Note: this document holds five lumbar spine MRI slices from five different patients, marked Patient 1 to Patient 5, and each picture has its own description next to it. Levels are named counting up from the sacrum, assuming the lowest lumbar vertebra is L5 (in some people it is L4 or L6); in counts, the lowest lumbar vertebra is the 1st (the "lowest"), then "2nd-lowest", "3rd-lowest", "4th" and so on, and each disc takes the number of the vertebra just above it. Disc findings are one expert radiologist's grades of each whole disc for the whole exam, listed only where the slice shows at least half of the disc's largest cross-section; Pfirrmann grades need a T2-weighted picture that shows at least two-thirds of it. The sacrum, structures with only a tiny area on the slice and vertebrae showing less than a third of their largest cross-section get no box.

Patient 1 of 5:
Philips Healthcare Ingenia (3T) | T2-weighted sagittal MRI of the lumbar spine | 448x448 px

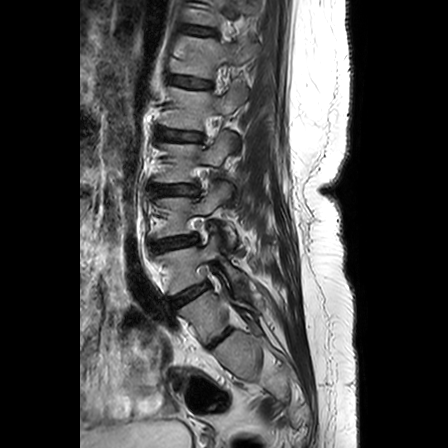
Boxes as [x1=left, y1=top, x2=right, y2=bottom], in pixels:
{"T12": "[x1=173, y1=37, x2=257, y2=78]", "L4/L5": "[x1=170, y1=284, x2=204, y2=307]", "L4 vertebra": "[x1=156, y1=228, x2=252, y2=300]", "L2": "[x1=155, y1=131, x2=237, y2=182]", "intervertebral disc T12/L1": "[x1=170, y1=76, x2=210, y2=87]", "L3": "[x1=158, y1=183, x2=236, y2=247]", "intervertebral disc L3/L4": "[x1=154, y1=236, x2=197, y2=249]", "L2/L3": "[x1=157, y1=185, x2=196, y2=194]", "L1/L2": "[x1=158, y1=128, x2=201, y2=140]", "intervertebral disc T11/T12": "[x1=191, y1=28, x2=213, y2=35]", "L1 vertebra": "[x1=161, y1=84, x2=246, y2=130]", "L5/S1": "[x1=209, y1=327, x2=232, y2=347]", "L5": "[x1=180, y1=275, x2=260, y2=342]"}

Per-level radiological findings:
- L4/L5: disc narrowing, disc bulging
- L1/L2: Pfirrmann grade 3, upper-endplate change, disc bulging, lower-endplate change
- L3/L4: lower-endplate change, disc bulging, upper-endplate change
- T12/L1: Pfirrmann grade 2, lower-endplate change, upper-endplate change
- L2/L3: disc bulging, lower-endplate change, upper-endplate change

Patient 2 of 5:
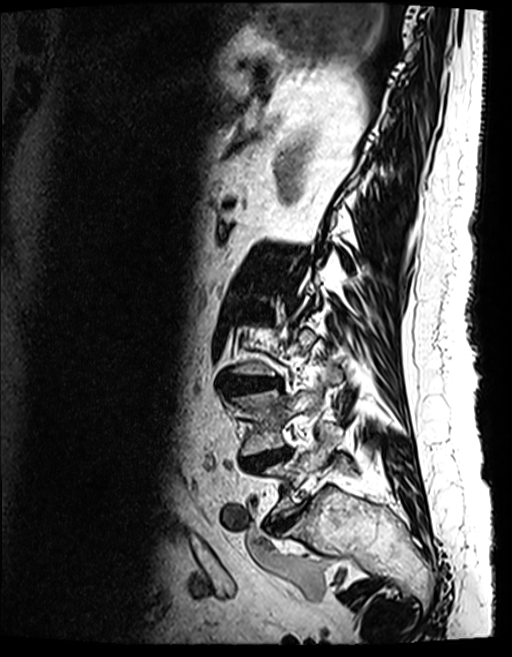
Sagittal T2 SPACE (3D) lumbar spine MRI | Patient sex: F
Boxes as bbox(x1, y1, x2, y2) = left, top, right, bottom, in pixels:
Structures:
• L3/L4 (3rd-lowest disc) at bbox(238, 378, 273, 388)
• L5 (lowest vertebra) at bbox(265, 422, 342, 514)
• intervertebral disc L5/S1 (lowest disc) at bbox(266, 507, 302, 534)
• L4 (2nd-lowest vertebra) at bbox(233, 366, 340, 455)
• intervertebral disc L4/L5 (2nd-lowest disc) at bbox(241, 448, 290, 469)
• intervertebral disc L2/L3 (4th disc) at bbox(250, 310, 264, 319)

Degenerative findings by level:
  L4/L5 (2nd-lowest disc): Pfirrmann grade 5, disc bulging, disc narrowing, lower-endplate change, Modic type II, upper-endplate change

Patient 3 of 5:
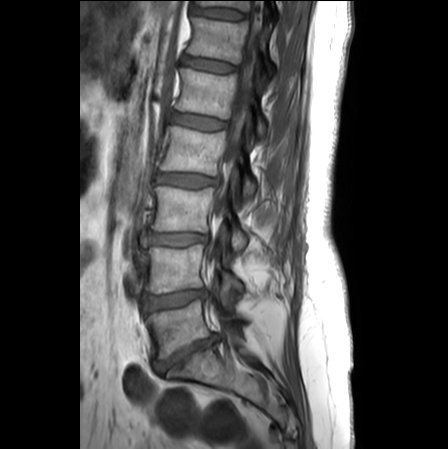 Sagittal slice index 9 | Lumbar spine MR, T1-weighted, sagittal | 448x449 px

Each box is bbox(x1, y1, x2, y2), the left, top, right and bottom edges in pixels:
Structures:
• L4 (2nd-lowest vertebra): bbox(143, 245, 243, 293)
• thecal sac / spinal canal: bbox(208, 0, 263, 320)
• intervertebral disc L4/L5 (2nd-lowest disc): bbox(145, 290, 206, 311)
• T11 (7th vertebra): bbox(197, 1, 249, 10)
• intervertebral disc L2/L3 (4th disc): bbox(155, 173, 216, 186)
• intervertebral disc L3/L4 (3rd-lowest disc): bbox(144, 233, 206, 245)
• T12 (6th vertebra): bbox(188, 17, 275, 73)
• intervertebral disc T12/L1 (6th disc): bbox(183, 55, 235, 72)
• T11/T12 (7th disc): bbox(192, 7, 245, 19)
• intervertebral disc L5/S1 (lowest disc): bbox(153, 334, 218, 372)
• L5 (lowest vertebra): bbox(147, 299, 243, 359)
• L1 (5th vertebra): bbox(176, 69, 265, 137)
• L1/L2 (5th disc): bbox(171, 113, 225, 130)
• L3 (3rd-lowest vertebra): bbox(152, 186, 248, 250)
• L2 (4th vertebra): bbox(161, 126, 256, 199)

Expert MSK radiologist gradings (per disc):
• L4/L5 (2nd-lowest disc): disc narrowing, disc bulging
• L5/S1 (lowest disc): disc herniation, Modic type II, disc narrowing, upper-endplate change, lower-endplate change
• L2/L3 (4th disc): disc bulging
• L3/L4 (3rd-lowest disc): disc bulging
• T11/T12 (7th disc), T12/L1 (6th disc), L1/L2 (5th disc): no spondylolisthesis, narrowing, bulging, herniation, Modic or endplate change recorded

Patient 4 of 5:
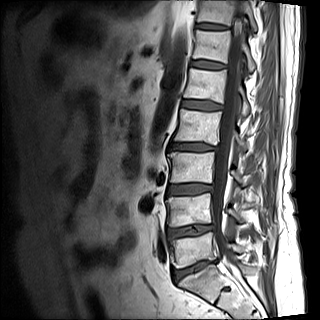

Field of view 280x280 mm, slice spacing 4.8 mm; 320x320 px; MRI lumbar spine (T1-weighted), sagittal plane
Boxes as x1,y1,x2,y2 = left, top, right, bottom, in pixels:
IVD L2/L3 (4th disc) at 171,143,216,151; IVD L1/L2 (5th disc) at 182,101,222,110; L5 (lowest vertebra) at 170,232,244,268; L5/S1 (lowest disc) at 173,260,216,281; thecal sac / spinal canal at 212,4,242,263; L4 (2nd-lowest vertebra) at 166,193,243,226; L3 (3rd-lowest vertebra) at 168,152,246,185; IVD T11/T12 (7th disc) at 196,23,228,30; L3/L4 (3rd-lowest disc) at 167,184,212,194; L1 (5th vertebra) at 184,68,249,114; IVD L4/L5 (2nd-lowest disc) at 167,225,213,238; T11 (7th vertebra) at 197,0,257,31; L2 (4th vertebra) at 174,109,246,149; T12 (6th vertebra) at 192,30,255,71; IVD T12/L1 (6th disc) at 191,61,225,69.

Per-level radiological findings:
  L4/L5 (2nd-lowest disc): disc bulging, disc narrowing, Modic type II, lower-endplate change, upper-endplate change
  L2/L3 (4th disc): Modic type II, disc bulging, upper-endplate change, disc narrowing, lower-endplate change
  L3/L4 (3rd-lowest disc): lower-endplate change, upper-endplate change, disc bulging, Modic type II
  L5/S1 (lowest disc): disc narrowing, disc bulging, Modic type II, lower-endplate change, upper-endplate change
  T11/T12 (7th disc), L1/L2 (5th disc), T12/L1 (6th disc): no herniation, bulging, narrowing, spondylolisthesis, endplate or Modic change recorded

Patient 5 of 5:
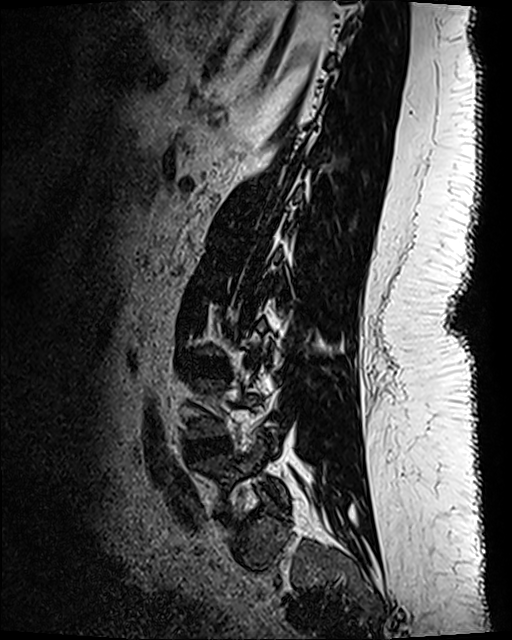 Slice spacing 0.9 mm. Patient sex: F. Slice 30 of 120. Sagittal T2 SPACE (3D) lumbar spine MRI.
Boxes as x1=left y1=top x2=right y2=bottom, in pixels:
Intervertebral disc L4/L5 at x1=187 y1=438 x2=228 y2=459.
L5 vertebra at x1=196 y1=443 x2=286 y2=499.
L3/L4 at x1=185 y1=355 x2=229 y2=378.